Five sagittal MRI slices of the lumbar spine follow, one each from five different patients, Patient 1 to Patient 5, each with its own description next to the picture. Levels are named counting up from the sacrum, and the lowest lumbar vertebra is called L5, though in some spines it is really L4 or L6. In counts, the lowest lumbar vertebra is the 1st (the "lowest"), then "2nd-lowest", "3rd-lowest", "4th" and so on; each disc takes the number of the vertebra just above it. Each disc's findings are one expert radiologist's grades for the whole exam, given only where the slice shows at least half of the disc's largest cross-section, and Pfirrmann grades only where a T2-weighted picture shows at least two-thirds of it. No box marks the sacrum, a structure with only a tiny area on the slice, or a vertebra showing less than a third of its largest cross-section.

Patient 1 of 5:
Image 461x462; Lumbar spine MR, T1-weighted, sagittal 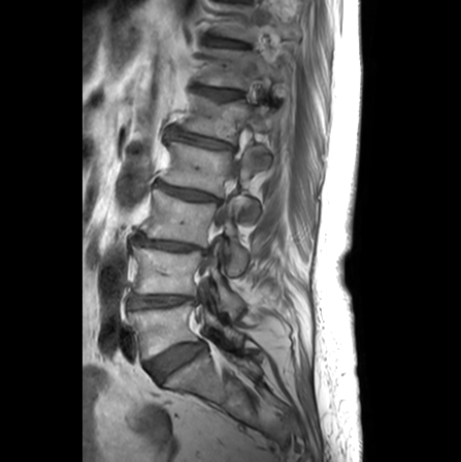 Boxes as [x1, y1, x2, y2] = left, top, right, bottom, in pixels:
disc T12/L1: [199, 87, 240, 98] | L2: [164, 142, 260, 217] | disc L2/L3: [159, 182, 216, 199] | T11/T12: [208, 38, 244, 47] | disc L4/L5: [129, 295, 196, 307] | L3/L4: [133, 232, 207, 252] | T12 vertebra: [201, 48, 279, 87] | thecal sac / spinal canal: [196, 210, 225, 323] | L5/S1: [148, 342, 205, 381] | disc L1/L2: [172, 130, 232, 148] | L4 vertebra: [133, 243, 242, 315] | T11 vertebra: [222, 4, 302, 40] | L1 vertebra: [183, 93, 278, 169] | L3 vertebra: [143, 187, 248, 276] | L5 vertebra: [129, 287, 242, 358]

Degenerative findings by level:
  L3/L4: upper-endplate change, Modic type II, disc narrowing, lower-endplate change
  L5/S1: Modic type II
  L4/L5: Modic type II, disc narrowing
  L2/L3: disc narrowing, upper-endplate change, lower-endplate change
  T12/L1: upper-endplate change
  L1/L2: lower-endplate change, disc narrowing, disc bulging, upper-endplate change
  T11/T12: no herniation, bulging, narrowing, spondylolisthesis, endplate or Modic change recorded

Patient 2 of 5:
Lumbar spine MR, T2 SPACE (3D), sagittal | Sagittal slice index 92
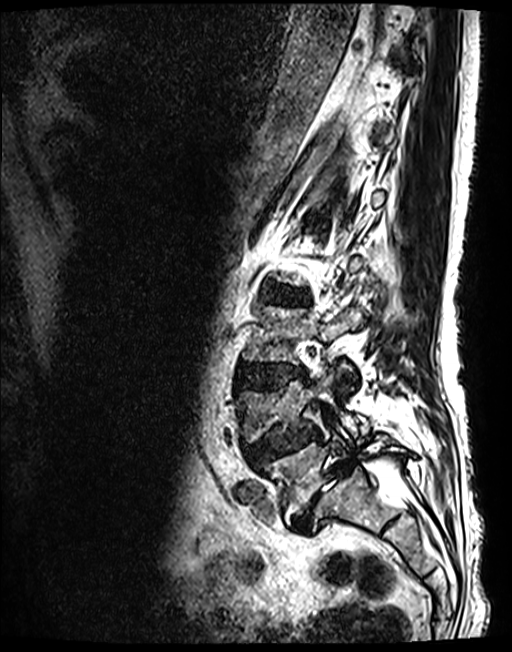

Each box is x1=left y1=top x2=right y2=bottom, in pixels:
L5: x1=263 y1=434 x2=406 y2=522.
L2/L3: x1=265 y1=287 x2=308 y2=304.
L4/L5: x1=246 y1=428 x2=318 y2=464.
L4 vertebra: x1=237 y1=369 x2=369 y2=441.
L3 vertebra: x1=244 y1=307 x2=363 y2=369.
L3/L4: x1=237 y1=364 x2=305 y2=388.
L5/S1: x1=291 y1=464 x2=351 y2=533.

Per-level radiological findings:
- L3/L4: Pfirrmann grade 3, disc bulging, lower-endplate change, upper-endplate change
- L4/L5: Pfirrmann grade 3, upper-endplate change, disc narrowing, lower-endplate change, disc herniation, spondylolisthesis
- L5/S1: Pfirrmann grade 5, Modic type II, disc narrowing, spondylolisthesis, disc herniation

Patient 3 of 5:
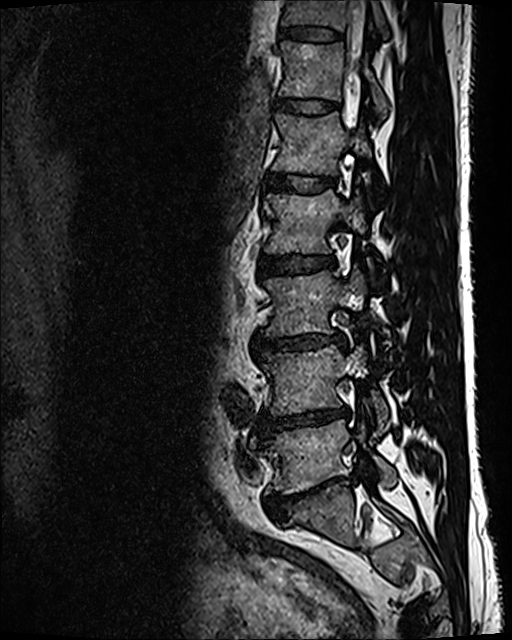 Sagittal T2 SPACE (3D) lumbar spine MRI; Sex M; Slice 43 of 120
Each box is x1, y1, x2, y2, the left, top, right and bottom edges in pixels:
Structures:
• L5: 265, 420, 397, 494
• L5/S1: 267, 478, 338, 519
• thecal sac / spinal canal: 262, 1, 367, 175
• L4/L5: 262, 407, 346, 434
• L1/L2: 268, 174, 335, 192
• disc L3/L4: 257, 334, 344, 350
• L4 vertebra: 260, 345, 389, 433
• disc T11/T12: 277, 26, 342, 41
• L1: 273, 112, 370, 175
• disc L2/L3: 260, 255, 333, 277
• L2: 263, 181, 367, 253
• L3 vertebra: 267, 270, 368, 335
• T11: 280, 0, 390, 39
• disc T12/L1: 276, 97, 337, 113
• T12: 279, 41, 388, 116

Radiological gradings:
  L1/L2: Pfirrmann grade 2
  L3/L4: Pfirrmann grade 3, disc bulging, disc narrowing
  L4/L5: Pfirrmann grade 5, disc narrowing, disc bulging, Modic type II, lower-endplate change
  L2/L3: Pfirrmann grade 2
  L5/S1: spondylolisthesis, lower-endplate change, disc narrowing, disc bulging
  T11/T12: Pfirrmann grade 2
  T12/L1: Pfirrmann grade 2

Patient 4 of 5:
SIEMENS Avanto_fit (1.5T). MRI lumbar spine (T2 SPACE (3D)), sagittal plane. 512x640 px. 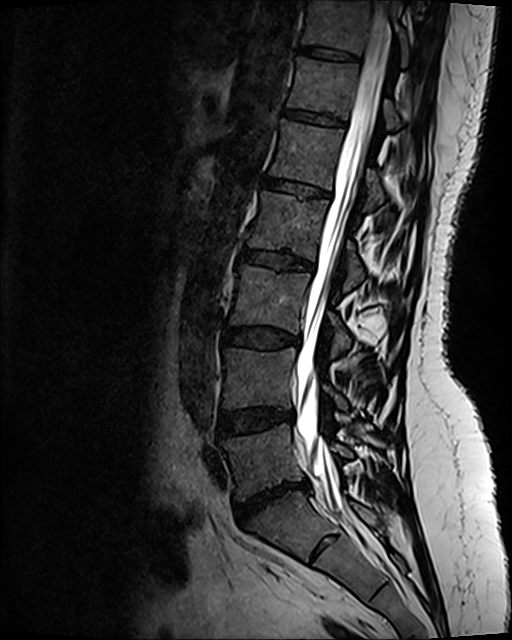 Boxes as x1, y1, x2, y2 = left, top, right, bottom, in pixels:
6th disc: 284, 112, 344, 128 | 4th vertebra: 246, 193, 364, 290 | 2nd-lowest vertebra: 224, 348, 346, 409 | lowest vertebra: 223, 425, 353, 500 | spinal canal: 297, 1, 392, 508 | 7th disc: 300, 49, 358, 63 | 7th vertebra: 303, 1, 408, 65 | 4th disc: 240, 250, 314, 270 | 5th vertebra: 270, 120, 383, 210 | 3rd-lowest disc: 224, 329, 300, 348 | 5th disc: 263, 179, 328, 197 | 3rd-lowest vertebra: 229, 265, 351, 355 | 6th vertebra: 287, 58, 400, 130 | 2nd-lowest disc: 219, 410, 292, 437 | lowest disc: 236, 484, 308, 526

Degenerative findings by level:
- 2nd-lowest disc: Pfirrmann grade 2, disc bulging
- 7th disc: Pfirrmann grade 2
- 4th disc: Pfirrmann grade 4, upper-endplate change, lower-endplate change, disc bulging
- 3rd-lowest disc: Pfirrmann grade 2, disc bulging
- lowest disc: Pfirrmann grade 1, disc bulging, disc herniation, disc narrowing
- 6th disc: Pfirrmann grade 2, lower-endplate change, upper-endplate change
- 5th disc: Pfirrmann grade 2, upper-endplate change, lower-endplate change

Patient 5 of 5:
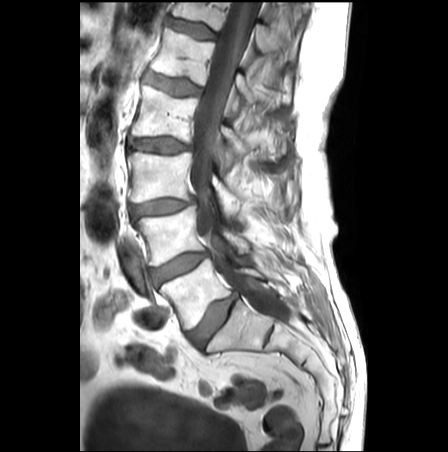 T1-weighted sagittal MRI of the lumbar spine | Sagittal slice index 11 | Sex M | 448x452 px
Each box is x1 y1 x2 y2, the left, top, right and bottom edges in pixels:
* thecal sac / spinal canal: 190 2 289 323
* IVD T12/L1: 167 18 215 38
* IVD L4/L5: 150 252 208 285
* IVD L2/L3: 127 137 192 153
* IVD L5/S1: 189 294 237 347
* L5 vertebra: 161 259 263 328
* L1/L2: 143 71 201 95
* L2 vertebra: 132 85 247 168
* L3 vertebra: 128 151 240 214
* T12: 172 2 281 52
* L4: 135 207 249 265
* L3/L4: 130 198 195 216
* L1 vertebra: 151 28 254 103

Expert MSK radiologist gradings (per disc):
  L4/L5: disc bulging
  L5/S1: disc bulging
  L2/L3: disc bulging
  L1/L2: upper-endplate change, Modic type II, disc bulging, lower-endplate change
  L3/L4: disc bulging, disc narrowing
  T12/L1: no herniation, bulging, narrowing, spondylolisthesis, endplate or Modic change recorded